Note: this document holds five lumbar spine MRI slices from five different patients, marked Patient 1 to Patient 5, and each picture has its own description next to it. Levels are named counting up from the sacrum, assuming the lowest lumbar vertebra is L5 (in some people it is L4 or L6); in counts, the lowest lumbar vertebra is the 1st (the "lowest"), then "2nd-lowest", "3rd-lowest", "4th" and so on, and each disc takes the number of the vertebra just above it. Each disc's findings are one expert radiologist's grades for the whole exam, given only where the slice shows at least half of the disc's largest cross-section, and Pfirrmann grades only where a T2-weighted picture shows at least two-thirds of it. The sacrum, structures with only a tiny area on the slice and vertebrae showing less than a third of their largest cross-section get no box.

Patient 1 of 5:
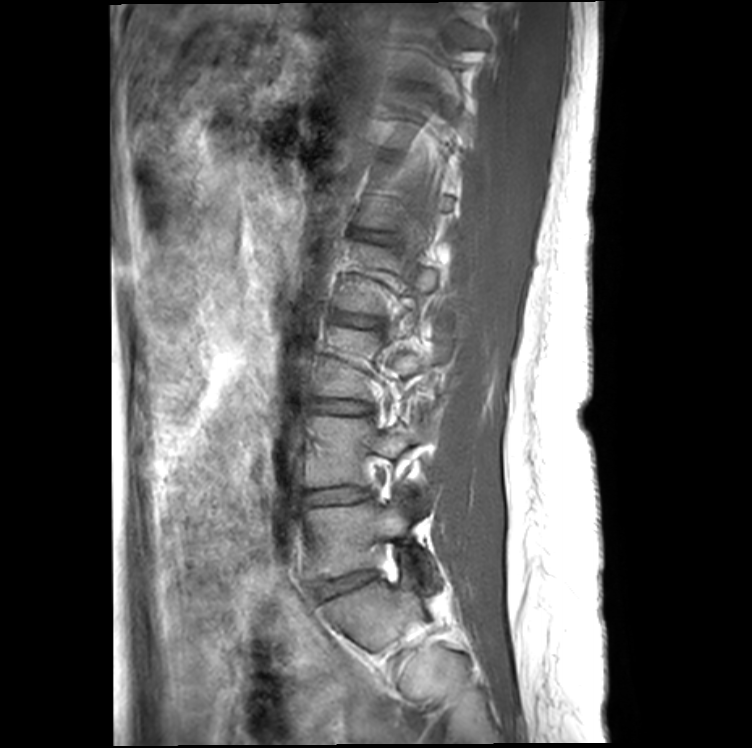 MRI lumbar spine (T1-weighted), sagittal plane; Slice 7/21

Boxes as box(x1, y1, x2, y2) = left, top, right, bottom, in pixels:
{"L5/S1 (lowest disc)": "box(317, 572, 374, 598)", "L2/L3 (4th disc)": "box(340, 317, 374, 326)", "L5 (lowest vertebra)": "box(304, 497, 434, 579)", "IVD L3/L4 (3rd-lowest disc)": "box(312, 399, 368, 413)", "IVD L4/L5 (2nd-lowest disc)": "box(304, 487, 366, 505)", "L4 (2nd-lowest vertebra)": "box(306, 415, 428, 486)"}

Radiological gradings:
• L4/L5 (2nd-lowest disc), L3/L4 (3rd-lowest disc): no spondylolisthesis, narrowing, bulging, herniation, Modic or endplate change recorded

Patient 2 of 5:
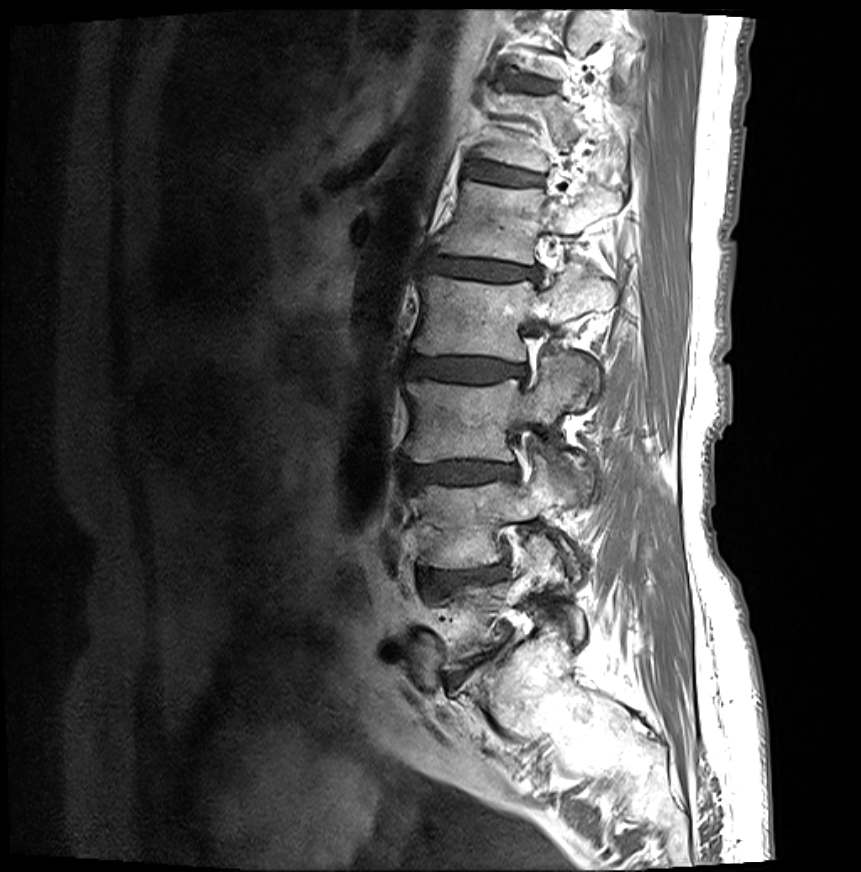 Patient sex: F, 861x872 px, Sagittal T1-weighted lumbar spine MRI, Slice 20 of 27, Field of view 300x304 mm

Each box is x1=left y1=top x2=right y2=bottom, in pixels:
Intervertebral disc T11/T12 — x1=509 y1=78 x2=550 y2=93.
Intervertebral disc L2/L3 — x1=407 y1=357 x2=524 y2=382.
L1 vertebra — x1=435 y1=180 x2=621 y2=265.
T12 vertebra — x1=481 y1=89 x2=611 y2=171.
L4/L5 — x1=422 y1=564 x2=505 y2=590.
Intervertebral disc L3/L4 — x1=404 y1=462 x2=517 y2=486.
Intervertebral disc L5/S1 — x1=447 y1=652 x2=493 y2=682.
L2 vertebra — x1=414 y1=266 x2=614 y2=406.
Spinal canal — x1=525 y1=316 x2=542 y2=337.
L4 vertebra — x1=410 y1=455 x2=577 y2=575.
Intervertebral disc L1/L2 — x1=424 y1=257 x2=537 y2=281.
L3 vertebra — x1=405 y1=354 x2=587 y2=499.
T12/L1 — x1=469 y1=166 x2=535 y2=184.
L5 vertebra — x1=432 y1=535 x2=584 y2=670.

Per-level radiological findings:
- L1/L2: disc narrowing, upper-endplate change, Modic type II, disc bulging, lower-endplate change
- L2/L3: disc bulging, Modic type II, lower-endplate change, upper-endplate change, disc narrowing
- L3/L4: Modic type II, disc bulging, upper-endplate change, disc narrowing, lower-endplate change
- T12/L1: Modic type II, lower-endplate change, upper-endplate change

Patient 3 of 5:
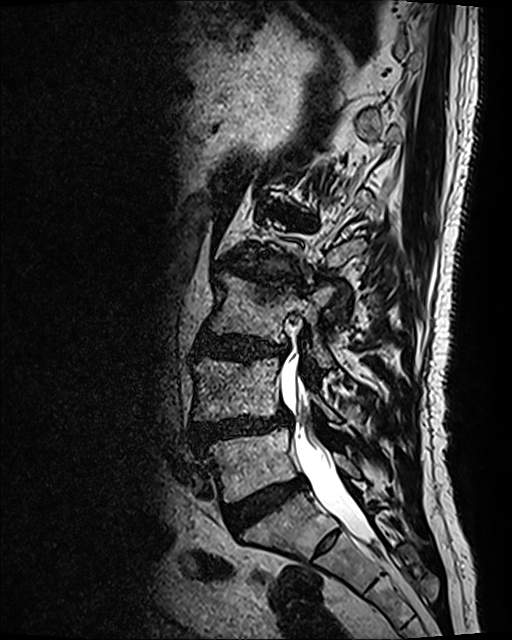 Sex M, MRI lumbar spine (T2 SPACE (3D)), sagittal plane, Slice 55 of 120, 512x640 px
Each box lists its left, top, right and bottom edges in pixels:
Spinal canal at left=280, top=358, right=373, bottom=543; intervertebral disc L4/L5 at left=191, top=411, right=290, bottom=447; L5/S1 at left=224, top=476, right=307, bottom=526; L3 vertebra at left=210, top=273, right=334, bottom=369; L5 at left=201, top=427, right=359, bottom=501; L1/L2 at left=269, top=203, right=310, bottom=225; L3/L4 at left=195, top=333, right=286, bottom=361; intervertebral disc L2/L3 at left=227, top=261, right=302, bottom=287; L4 vertebra at left=193, top=357, right=339, bottom=422.

Degenerative findings by level:
- L5/S1: Pfirrmann grade 4
- L4/L5: Pfirrmann grade 4, spondylolisthesis, disc herniation, disc narrowing, upper-endplate change, Modic type II, lower-endplate change, disc bulging
- L3/L4: Pfirrmann grade 4, upper-endplate change, lower-endplate change, disc bulging

Patient 4 of 5:
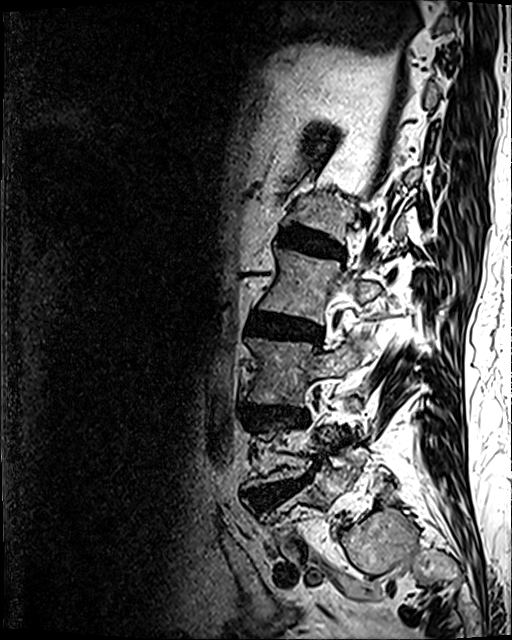 Field of view 240x300 mm, slice spacing 0.9 mm. Sex M. Image 512x640. Lumbar spine MR, T2 SPACE (3D), sagittal.

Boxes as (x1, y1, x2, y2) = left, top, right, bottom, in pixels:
L1 at (291, 194, 406, 239), L2 vertebra at (259, 249, 382, 324), L1/L2 at (279, 227, 343, 257), L4/L5 at (247, 475, 309, 509), L3 at (246, 332, 376, 405), L3/L4 at (250, 406, 307, 424), intervertebral disc L2/L3 at (247, 313, 321, 341).

Expert MSK radiologist gradings (per disc):
  L4/L5: Pfirrmann grade 5, Modic type II, lower-endplate change, upper-endplate change, disc bulging, disc narrowing, disc herniation
  L2/L3: Pfirrmann grade 4, disc bulging, disc narrowing, Modic type II, lower-endplate change, upper-endplate change
  L3/L4: disc bulging, disc narrowing, lower-endplate change, upper-endplate change
  L1/L2: Pfirrmann grade 4, disc bulging, disc narrowing, lower-endplate change, upper-endplate change

Patient 5 of 5:
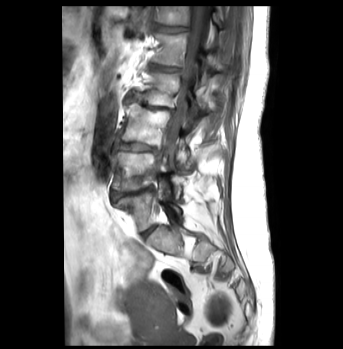 Sagittal T1-weighted lumbar spine MRI. 343x349 px.
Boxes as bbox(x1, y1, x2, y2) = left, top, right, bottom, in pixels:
L2: bbox(135, 71, 213, 109) | T12 vertebra: bbox(158, 6, 222, 27) | L5 vertebra: bbox(115, 183, 180, 230) | IVD L1/L2: bbox(150, 63, 180, 72) | L4: bbox(114, 151, 180, 197) | L3: bbox(119, 103, 191, 169) | L1 vertebra: bbox(153, 33, 225, 84) | IVD T12/L1: bbox(156, 23, 188, 32) | spinal canal: bbox(164, 6, 208, 148) | L3/L4: bbox(112, 140, 158, 154) | IVD L2/L3: bbox(126, 94, 173, 112) | L4/L5: bbox(112, 185, 152, 200)

Per-level radiological findings:
• L4/L5: lower-endplate change, Modic type II, disc bulging, disc narrowing
• L3/L4: Modic type II, disc bulging
• T12/L1: upper-endplate change